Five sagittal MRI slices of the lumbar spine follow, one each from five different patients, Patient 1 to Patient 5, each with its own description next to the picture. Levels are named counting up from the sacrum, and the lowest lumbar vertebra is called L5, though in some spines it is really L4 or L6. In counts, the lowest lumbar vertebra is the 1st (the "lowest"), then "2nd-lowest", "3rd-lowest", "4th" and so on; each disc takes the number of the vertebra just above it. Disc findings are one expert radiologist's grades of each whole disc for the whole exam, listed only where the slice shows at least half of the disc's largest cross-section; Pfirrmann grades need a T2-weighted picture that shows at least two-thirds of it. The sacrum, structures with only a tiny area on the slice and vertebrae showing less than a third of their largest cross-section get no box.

Patient 1 of 5:
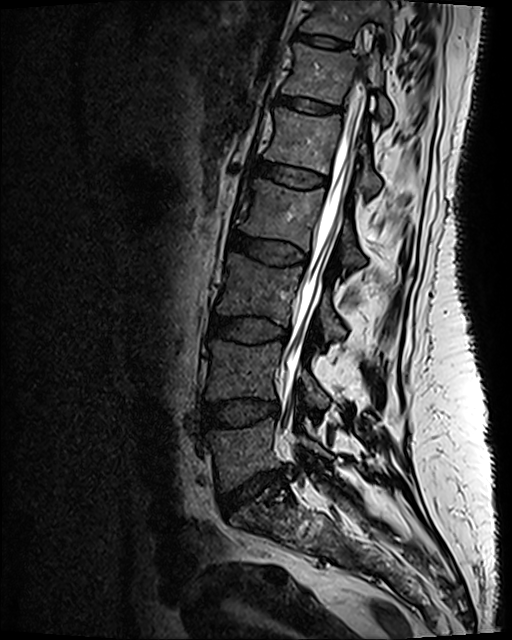 Sex F. T2 SPACE (3D) sagittal MRI of the lumbar spine.
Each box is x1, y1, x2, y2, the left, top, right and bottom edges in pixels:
T11/T12 at 297, 33, 349, 48.
L5/S1 at 223, 473, 285, 506.
IVD L3/L4 at 208, 315, 288, 342.
L4 vertebra at 206, 340, 328, 406.
L4/L5 at 204, 402, 279, 426.
IVD T12/L1 at 276, 95, 339, 113.
L1 vertebra at 264, 108, 380, 196.
IVD L1/L2 at 251, 160, 327, 187.
Thecal sac / spinal canal at 282, 81, 367, 458.
T12 vertebra at 282, 44, 391, 122.
L2 vertebra at 235, 179, 362, 264.
T11 vertebra at 297, 0, 393, 47.
L3 at 217, 254, 344, 339.
L5 vertebra at 205, 420, 327, 490.
L2/L3 at 229, 232, 307, 262.

Radiological gradings:
  L3/L4: Pfirrmann grade 3
  L2/L3: Pfirrmann grade 3, disc bulging
  L4/L5: Pfirrmann grade 3, disc bulging
  L5/S1: disc herniation, lower-endplate change, disc narrowing, upper-endplate change
  T12/L1: Pfirrmann grade 2
  L1/L2: Pfirrmann grade 2
  T11/T12: no herniation, bulging, narrowing, spondylolisthesis, endplate or Modic change recorded

Patient 2 of 5:
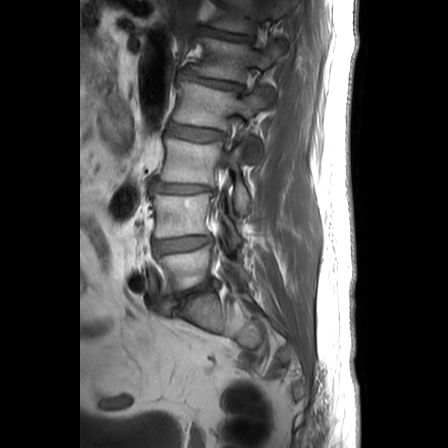 Patient sex: M; Sagittal T1-weighted lumbar spine MRI
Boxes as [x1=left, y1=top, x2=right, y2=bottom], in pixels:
T12/L1: [x1=199, y1=27, x2=253, y2=41].
L4: [x1=151, y1=193, x2=241, y2=245].
L5 vertebra: [x1=158, y1=245, x2=249, y2=297].
L2: [x1=173, y1=80, x2=275, y2=160].
L3 vertebra: [x1=159, y1=137, x2=249, y2=213].
L4/L5: [x1=152, y1=236, x2=211, y2=254].
Disc L2/L3: [x1=168, y1=124, x2=224, y2=140].
L5/S1: [x1=161, y1=280, x2=218, y2=316].
L1 vertebra: [x1=193, y1=36, x2=283, y2=81].
T12 vertebra: [x1=208, y1=0, x2=287, y2=33].
L1/L2: [x1=182, y1=71, x2=242, y2=91].
Disc L3/L4: [x1=151, y1=181, x2=212, y2=193].

Per-level radiological findings:
• T12/L1: disc narrowing, disc bulging
• L5/S1: disc narrowing, disc bulging
• L1/L2: disc narrowing, disc bulging
• L3/L4: disc narrowing, disc herniation
• L4/L5: disc bulging
• L2/L3: no Modic or endplate change, herniation, narrowing, bulging or spondylolisthesis recorded

Patient 3 of 5:
MRI lumbar spine (T2-weighted), sagittal plane, Sex F
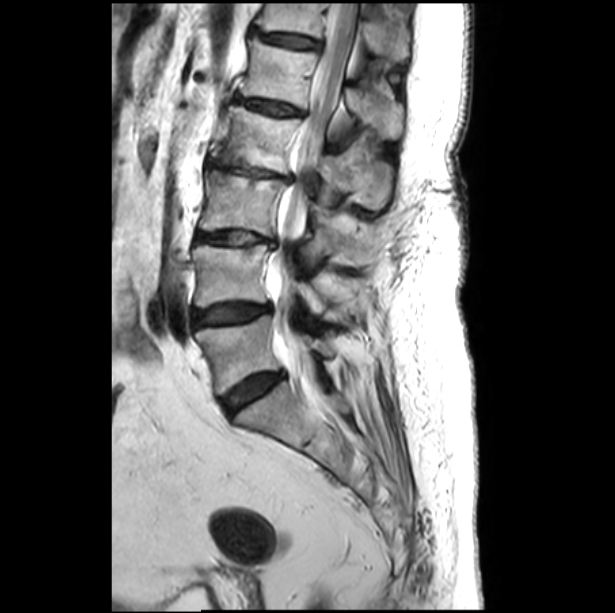

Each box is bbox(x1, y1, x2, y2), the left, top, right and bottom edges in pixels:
L4/L5: bbox(192, 304, 271, 327).
Disc T12/L1: bbox(253, 30, 320, 49).
T12 vertebra: bbox(256, 3, 409, 61).
L5/S1: bbox(222, 373, 282, 415).
L2: bbox(211, 105, 390, 208).
Spinal canal: bbox(267, 3, 357, 372).
Disc L2/L3: bbox(206, 160, 291, 183).
Disc L3/L4: bbox(196, 231, 274, 246).
L4: bbox(192, 244, 357, 320).
L1: bbox(240, 37, 404, 139).
L5: bbox(196, 316, 332, 393).
L3: bbox(199, 170, 371, 266).
L1/L2: bbox(237, 99, 301, 114).

Expert MSK radiologist gradings (per disc):
• L5/S1: Pfirrmann grade 4, disc bulging
• L4/L5: Pfirrmann grade 4, disc bulging
• L1/L2: Pfirrmann grade 3, lower-endplate change, Modic type II, upper-endplate change, disc bulging
• T12/L1: Pfirrmann grade 3, upper-endplate change, lower-endplate change, disc bulging, Modic type II
• L3/L4: Pfirrmann grade 3, disc narrowing, disc bulging, upper-endplate change, Modic type II, lower-endplate change
• L2/L3: Modic type II, lower-endplate change, disc bulging, disc narrowing, upper-endplate change

Patient 4 of 5:
Field of view 280x281 mm. Lumbar spine MR, T2-weighted, sagittal. 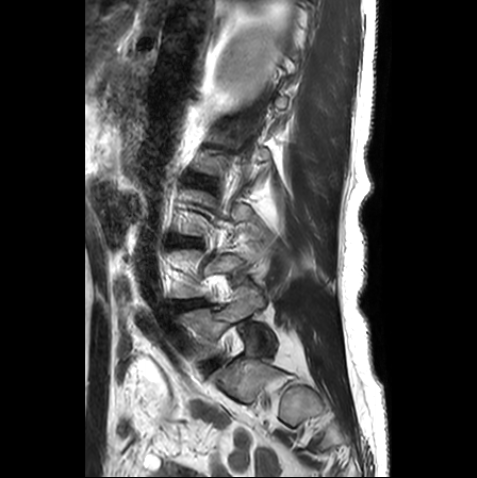 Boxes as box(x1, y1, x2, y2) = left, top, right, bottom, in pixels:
Structures:
- lowest vertebra — box(180, 287, 264, 357)
- 2nd-lowest disc — box(174, 300, 204, 308)
- 3rd-lowest disc — box(184, 239, 195, 244)

Patient 5 of 5:
Patient sex: M | Slice 21/26 | MRI lumbar spine (T2-weighted), sagittal plane
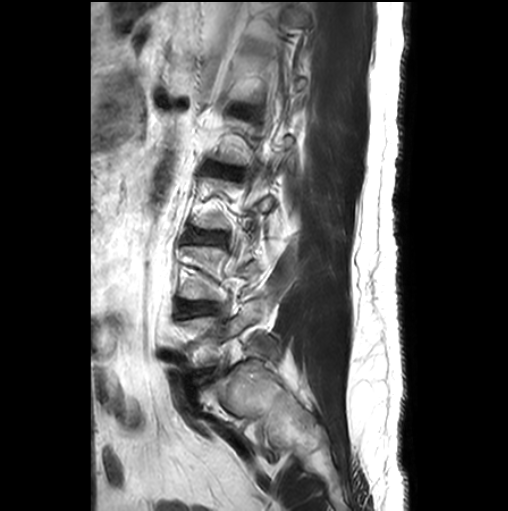

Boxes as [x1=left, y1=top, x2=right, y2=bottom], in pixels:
L5 (lowest vertebra) at [x1=180, y1=299, x2=268, y2=366], L2/L3 (4th disc) at [x1=207, y1=165, x2=240, y2=176], intervertebral disc L4/L5 (2nd-lowest disc) at [x1=179, y1=302, x2=212, y2=316], intervertebral disc L3/L4 (3rd-lowest disc) at [x1=188, y1=231, x2=225, y2=243].